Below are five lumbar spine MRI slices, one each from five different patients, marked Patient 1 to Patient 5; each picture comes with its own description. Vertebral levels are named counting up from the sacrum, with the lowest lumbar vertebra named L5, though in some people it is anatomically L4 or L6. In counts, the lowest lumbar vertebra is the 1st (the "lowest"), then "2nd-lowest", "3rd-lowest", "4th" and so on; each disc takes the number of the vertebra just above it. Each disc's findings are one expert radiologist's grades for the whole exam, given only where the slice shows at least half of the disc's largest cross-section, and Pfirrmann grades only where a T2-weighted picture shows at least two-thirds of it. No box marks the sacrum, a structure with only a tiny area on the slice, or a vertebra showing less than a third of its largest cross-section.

Patient 1 of 5:
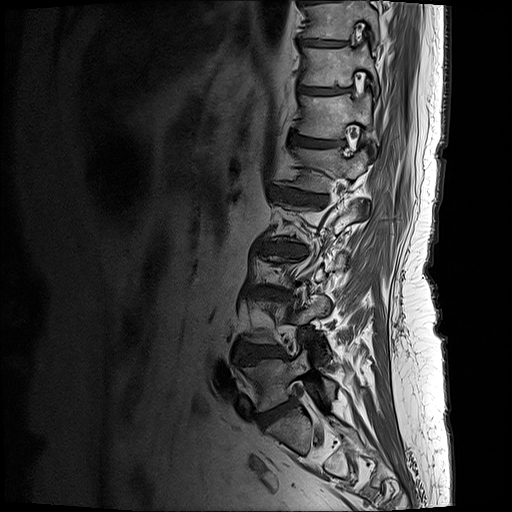
Sagittal slice index 4, T1-weighted sagittal MRI of the lumbar spine

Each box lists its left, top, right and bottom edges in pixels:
Annotations:
* T11 vertebra: left=302, top=44, right=378, bottom=94
* L2/L3: left=256, top=239, right=306, bottom=257
* L1: left=290, top=147, right=368, bottom=193
* L3/L4: left=255, top=287, right=286, bottom=296
* T10/T11: left=303, top=40, right=341, bottom=46
* IVD T12/L1: left=290, top=135, right=343, bottom=146
* T11/T12: left=298, top=86, right=349, bottom=94
* T12: left=298, top=91, right=370, bottom=139
* L5/S1: left=258, top=402, right=293, bottom=427
* L1/L2: left=270, top=187, right=326, bottom=204
* L5 vertebra: left=242, top=351, right=336, bottom=410
* L4/L5: left=234, top=346, right=286, bottom=363
* T10: left=305, top=0, right=377, bottom=45

Expert MSK radiologist gradings (per disc):
- L1/L2: lower-endplate change, upper-endplate change, disc narrowing, Modic type II, disc bulging
- T10/T11: upper-endplate change, lower-endplate change
- T12/L1: upper-endplate change, Modic type II, lower-endplate change
- L2/L3: upper-endplate change, disc bulging, disc narrowing, lower-endplate change, Modic type II
- T11/T12: lower-endplate change, upper-endplate change
- L4/L5: upper-endplate change, lower-endplate change, disc bulging

Patient 2 of 5:
Lumbar spine MR, T2-weighted, sagittal, SIEMENS Avanto_fit (1.5T)
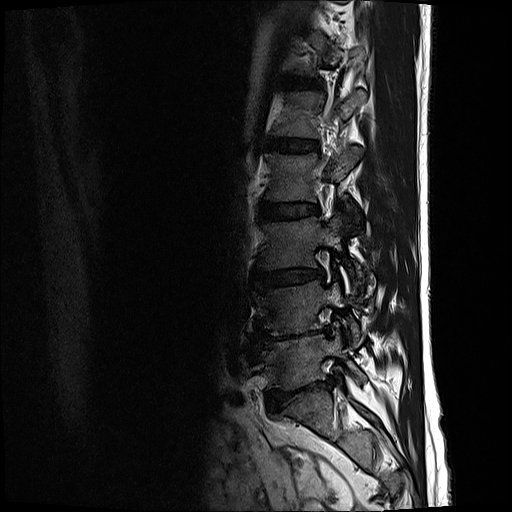

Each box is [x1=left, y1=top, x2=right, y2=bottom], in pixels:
L2/L3 (4th disc): [x1=260, y1=203, x2=318, y2=220]
L2 (4th vertebra): [x1=266, y1=147, x2=361, y2=202]
L4/L5 (2nd-lowest disc): [x1=262, y1=328, x2=328, y2=341]
L1 (5th vertebra): [x1=275, y1=90, x2=366, y2=137]
L4 (2nd-lowest vertebra): [x1=255, y1=281, x2=359, y2=345]
L5/S1 (lowest disc): [x1=270, y1=379, x2=329, y2=407]
disc T12/L1 (6th disc): [x1=296, y1=79, x2=313, y2=87]
L3 (3rd-lowest vertebra): [x1=259, y1=217, x2=342, y2=268]
L1/L2 (5th disc): [x1=270, y1=138, x2=318, y2=152]
disc L3/L4 (3rd-lowest disc): [x1=254, y1=268, x2=324, y2=289]
L5 (lowest vertebra): [x1=263, y1=333, x2=365, y2=390]

Per-level radiological findings:
- L2/L3 (4th disc): Pfirrmann grade 2
- L5/S1 (lowest disc): spondylolisthesis, lower-endplate change, disc narrowing, disc bulging
- L1/L2 (5th disc): Pfirrmann grade 2
- L3/L4 (3rd-lowest disc): Pfirrmann grade 3, disc narrowing, disc bulging

Patient 3 of 5:
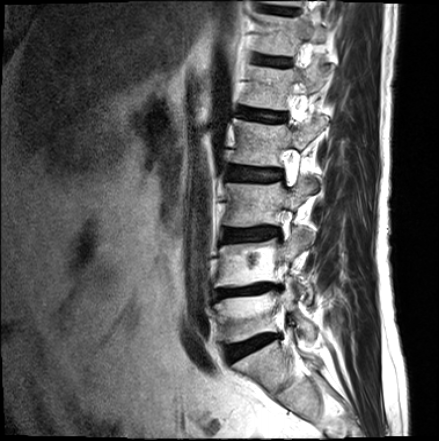 Sagittal T2-weighted lumbar spine MRI, 439x441 px

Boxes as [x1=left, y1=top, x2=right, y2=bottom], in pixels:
L4 vertebra: [x1=214, y1=231, x2=314, y2=303].
T12/L1: [x1=255, y1=55, x2=290, y2=65].
L1 vertebra: [x1=242, y1=64, x2=330, y2=109].
L2: [x1=232, y1=116, x2=328, y2=165].
L3 vertebra: [x1=226, y1=179, x2=318, y2=226].
Intervertebral disc L1/L2: [x1=240, y1=107, x2=285, y2=121].
L5: [x1=213, y1=283, x2=315, y2=342].
L2/L3: [x1=227, y1=166, x2=282, y2=180].
Intervertebral disc L4/L5: [x1=217, y1=284, x2=279, y2=298].
T12 vertebra: [x1=255, y1=14, x2=329, y2=55].
L5/S1: [x1=225, y1=334, x2=279, y2=361].
Intervertebral disc L3/L4: [x1=224, y1=228, x2=279, y2=241].
Intervertebral disc T11/T12: [x1=261, y1=5, x2=297, y2=13].

Degenerative findings by level:
  T12/L1: lower-endplate change, upper-endplate change
  L3/L4: Pfirrmann grade 3, disc bulging, lower-endplate change, upper-endplate change
  L5/S1: Pfirrmann grade 4, upper-endplate change, disc narrowing, lower-endplate change, disc bulging, Modic type II
  L2/L3: Pfirrmann grade 3, upper-endplate change, lower-endplate change
  L1/L2: Pfirrmann grade 3, upper-endplate change, lower-endplate change
  L4/L5: Pfirrmann grade 5, Modic type II, disc narrowing, upper-endplate change, disc bulging, lower-endplate change
  T11/T12: no herniation, bulging, narrowing, spondylolisthesis, endplate or Modic change recorded

Patient 4 of 5:
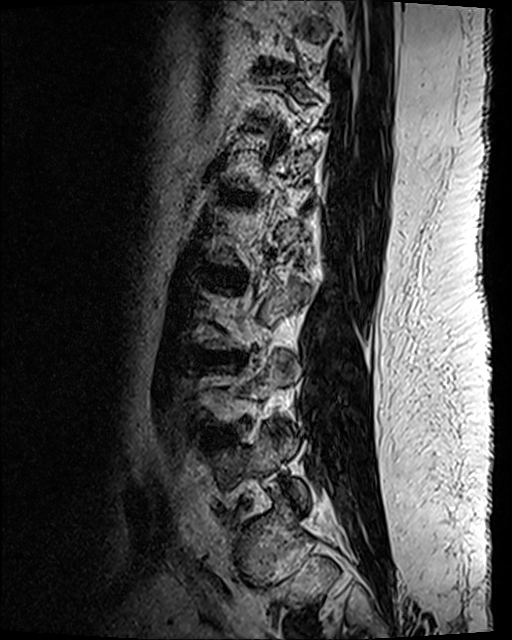

Sagittal slice index 85 | Sagittal T2 SPACE (3D) lumbar spine MRI

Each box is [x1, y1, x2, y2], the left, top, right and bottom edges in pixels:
L1/L2 at [228, 194, 253, 203], L2/L3 at [213, 272, 243, 284], disc L3/L4 at [207, 353, 240, 363], L4/L5 at [206, 432, 227, 443].

Patient 5 of 5:
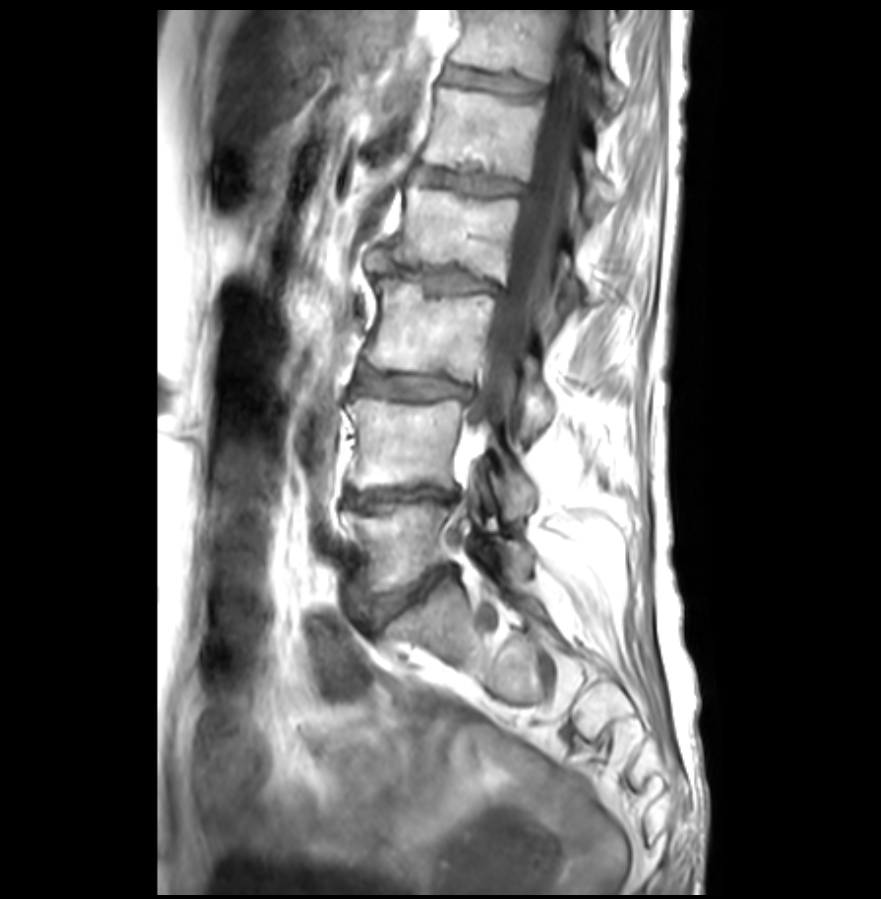 881x899 px | Sagittal T1-weighted lumbar spine MRI | Sagittal slice index 18
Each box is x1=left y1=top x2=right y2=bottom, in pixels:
L1/L2 (5th disc): x1=417 y1=168 x2=526 y2=195.
L5 (lowest vertebra): x1=344 y1=498 x2=536 y2=592.
L3 (3rd-lowest vertebra): x1=366 y1=275 x2=556 y2=435.
T12 (6th vertebra): x1=452 y1=9 x2=626 y2=110.
Thecal sac / spinal canal: x1=466 y1=58 x2=581 y2=428.
Intervertebral disc L4/L5 (2nd-lowest disc): x1=344 y1=487 x2=457 y2=509.
L4 (2nd-lowest vertebra): x1=348 y1=396 x2=536 y2=519.
L1 (5th vertebra): x1=425 y1=88 x2=619 y2=215.
L2 (4th vertebra): x1=387 y1=187 x2=587 y2=314.
Intervertebral disc L2/L3 (4th disc): x1=368 y1=248 x2=501 y2=292.
Intervertebral disc L5/S1 (lowest disc): x1=372 y1=568 x2=455 y2=619.
Intervertebral disc T12/L1 (6th disc): x1=446 y1=67 x2=548 y2=95.
Intervertebral disc L3/L4 (3rd-lowest disc): x1=360 y1=368 x2=469 y2=399.

Per-level radiological findings:
- L3/L4 (3rd-lowest disc): Modic type II, disc bulging
- L4/L5 (2nd-lowest disc): disc narrowing, Modic type II, disc bulging
- L1/L2 (5th disc): Modic type II, lower-endplate change, upper-endplate change
- L2/L3 (4th disc): upper-endplate change, disc bulging, Modic type II, disc herniation, lower-endplate change, disc narrowing
- T12/L1 (6th disc): lower-endplate change, upper-endplate change